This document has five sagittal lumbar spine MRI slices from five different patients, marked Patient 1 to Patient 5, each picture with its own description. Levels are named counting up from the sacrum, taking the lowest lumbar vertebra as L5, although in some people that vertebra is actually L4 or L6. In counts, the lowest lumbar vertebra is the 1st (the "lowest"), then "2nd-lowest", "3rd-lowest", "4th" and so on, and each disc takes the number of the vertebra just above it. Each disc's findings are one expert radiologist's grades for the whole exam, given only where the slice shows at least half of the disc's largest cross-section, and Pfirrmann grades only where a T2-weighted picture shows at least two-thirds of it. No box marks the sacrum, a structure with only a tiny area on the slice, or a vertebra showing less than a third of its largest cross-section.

Patient 1 of 5:
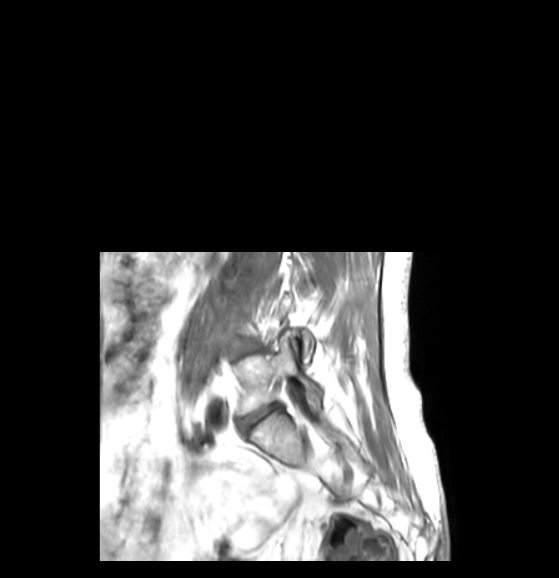

Patient sex: F; Image 559x578; MRI lumbar spine (T1-weighted), sagittal plane
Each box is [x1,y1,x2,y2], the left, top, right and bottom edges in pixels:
Lowest vertebra at [238,337,321,414].
Lowest disc at [240,404,277,432].
2nd-lowest disc at [241,342,256,353].

Radiological gradings:
- lowest disc: disc narrowing, disc bulging

Patient 2 of 5:
MRI lumbar spine (T1-weighted), sagittal plane | SIEMENS Avanto_fit (1.5T) 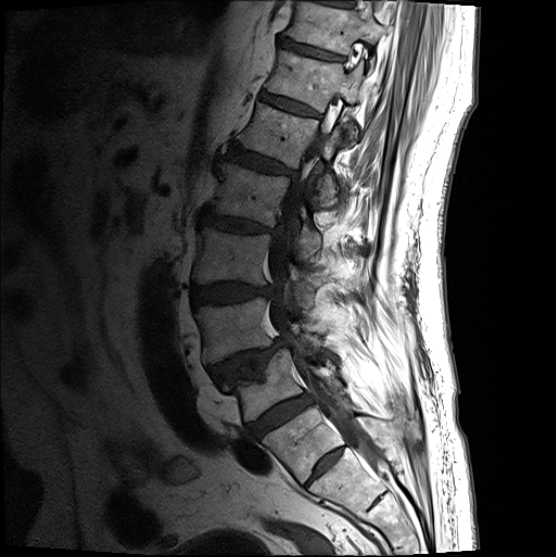

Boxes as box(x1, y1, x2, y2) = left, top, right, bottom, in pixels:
Spinal canal: box(269, 141, 383, 473).
Lowest vertebra: box(225, 350, 342, 422).
7th disc: box(281, 41, 343, 62).
3rd-lowest vertebra: box(192, 229, 321, 307).
7th vertebra: box(288, 4, 388, 66).
4th vertebra: box(211, 164, 321, 261).
4th disc: box(200, 213, 283, 238).
Lowest disc: box(247, 396, 312, 439).
2nd-lowest disc: box(211, 339, 288, 385).
5th vertebra: box(241, 104, 350, 208).
5th disc: box(227, 148, 296, 179).
6th disc: box(261, 94, 318, 118).
2nd-lowest vertebra: box(195, 299, 321, 365).
3rd-lowest disc: box(191, 285, 273, 306).
6th vertebra: box(267, 52, 367, 144).

Radiological gradings:
• 4th disc: disc bulging, lower-endplate change, disc narrowing, upper-endplate change
• 3rd-lowest disc: disc bulging
• 2nd-lowest disc: spondylolisthesis, upper-endplate change, disc herniation
• 7th disc: lower-endplate change
• 5th disc: lower-endplate change, upper-endplate change, disc bulging
• 6th disc, lowest disc: no spondylolisthesis, narrowing, bulging, herniation, Modic or endplate change recorded

Patient 3 of 5:
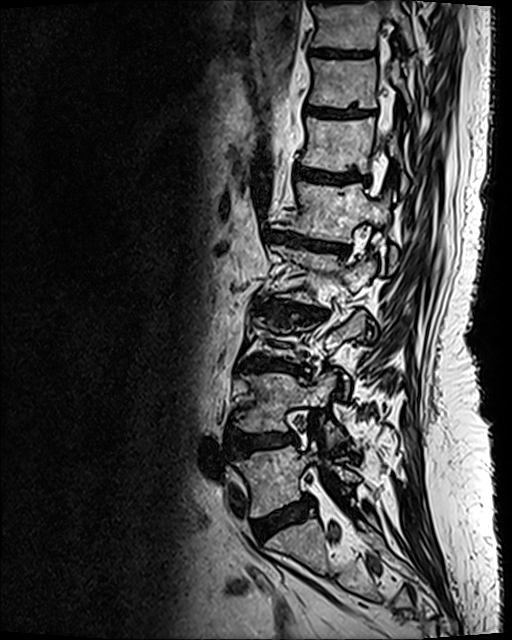 MRI lumbar spine (T2 SPACE (3D)), sagittal plane. Image 512x640. Slice 42/120.
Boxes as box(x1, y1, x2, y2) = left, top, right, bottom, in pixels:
{"L4": "box(233, 372, 344, 445)", "thecal sac / spinal canal": "box(381, 21, 394, 137)", "IVD T11/T12": "box(306, 106, 373, 118)", "L3/L4": "box(239, 357, 300, 371)", "L4/L5": "box(227, 431, 296, 456)", "T11": "box(309, 58, 411, 110)", "L5/S1": "box(254, 499, 311, 539)", "L1/L2": "box(265, 230, 348, 254)", "T12": "box(301, 117, 408, 195)", "L2/L3": "box(254, 298, 326, 319)", "T12/L1": "box(295, 167, 368, 183)", "L1 vertebra": "box(287, 182, 397, 266)", "T10": "box(312, 0, 413, 49)", "L5": "box(235, 442, 359, 517)", "T10/T11": "box(311, 48, 360, 56)"}

Expert MSK radiologist gradings (per disc):
  T10/T11: Pfirrmann grade 4, upper-endplate change, lower-endplate change
  L1/L2: Pfirrmann grade 5, disc narrowing, Modic type II, lower-endplate change, disc bulging, upper-endplate change
  L2/L3: Pfirrmann grade 5, Modic type II, lower-endplate change, disc bulging, upper-endplate change, disc narrowing
  L3/L4: Modic type II, upper-endplate change, lower-endplate change, disc bulging, disc narrowing
  T11/T12: Pfirrmann grade 4, lower-endplate change, upper-endplate change
  L4/L5: Pfirrmann grade 4, disc bulging, upper-endplate change, lower-endplate change
  L5/S1: disc bulging
  T12/L1: Pfirrmann grade 4, lower-endplate change, Modic type II, upper-endplate change

Patient 4 of 5:
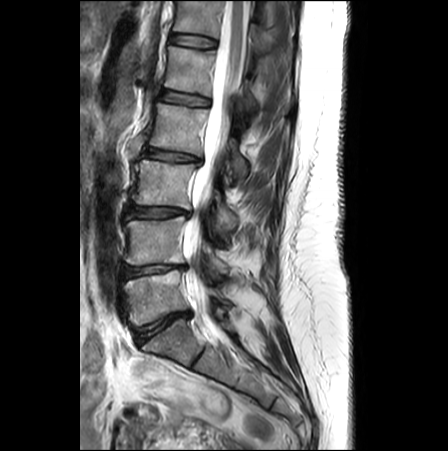

Field of view 280x282 mm; T2-weighted sagittal MRI of the lumbar spine

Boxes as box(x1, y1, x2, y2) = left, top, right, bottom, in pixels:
L3/L4 at box(128, 205, 187, 218); T12/L1 at box(170, 33, 216, 47); intervertebral disc L1/L2 at box(160, 90, 209, 106); L2 at box(149, 102, 248, 177); L2/L3 at box(143, 148, 199, 161); T12 at box(173, 0, 271, 52); L4/L5 at box(122, 265, 185, 279); thecal sac / spinal canal at box(183, 0, 249, 341); L4 at box(124, 216, 227, 275); intervertebral disc L5/S1 at box(135, 311, 190, 343); L1 at box(164, 46, 256, 108); L3 at box(134, 159, 237, 230); L5 at box(122, 269, 228, 325).

Expert MSK radiologist gradings (per disc):
• L5/S1: Pfirrmann grade 4, disc bulging, Modic type II, disc narrowing
• T12/L1: Pfirrmann grade 1
• L1/L2: Pfirrmann grade 1
• L3/L4: Pfirrmann grade 2, disc bulging, Modic type II
• L4/L5: Pfirrmann grade 3, Modic type II, disc bulging, upper-endplate change, disc narrowing
• L2/L3: Pfirrmann grade 2, disc narrowing, disc bulging

Patient 5 of 5:
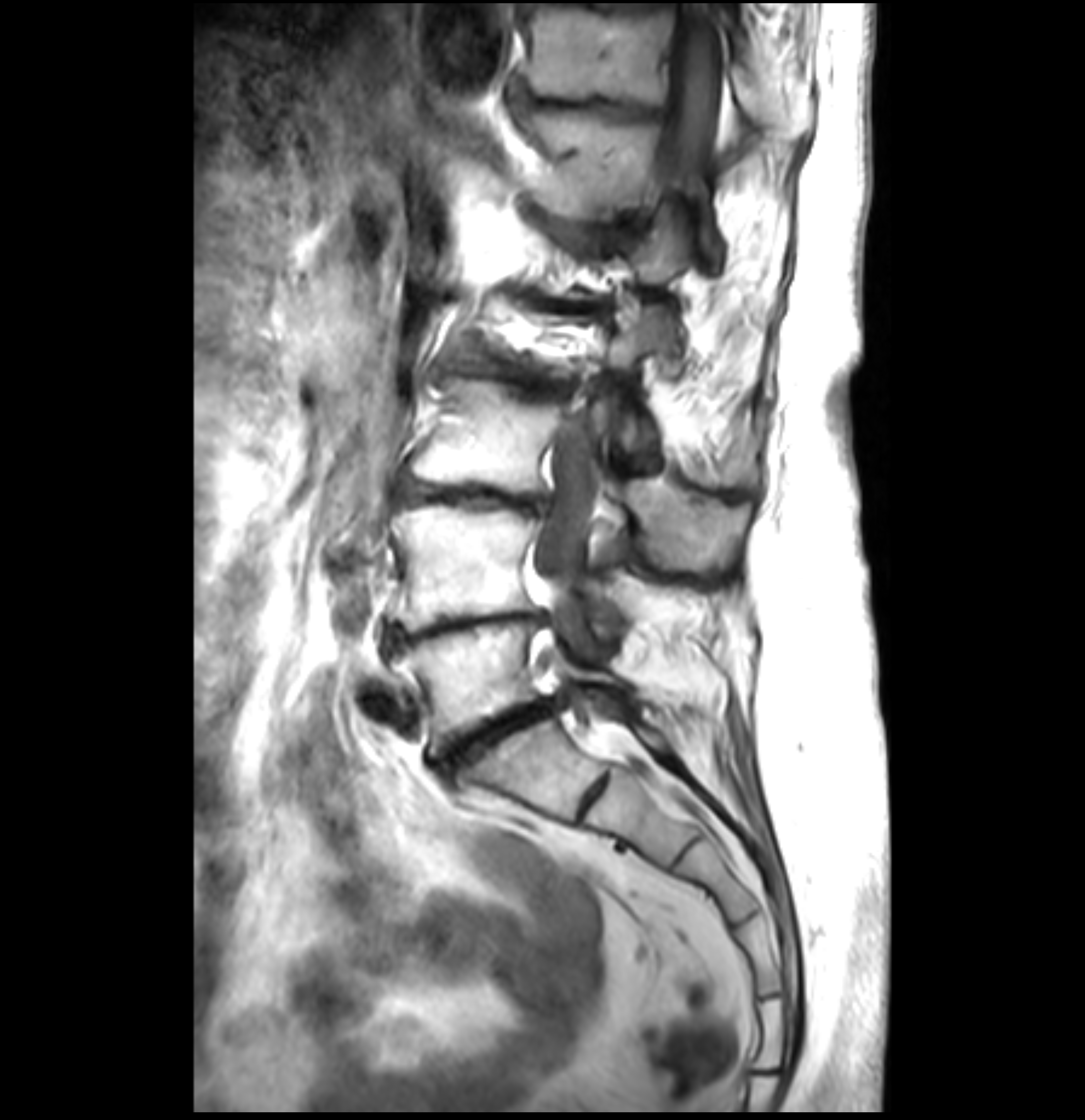 Image 1085x1120, Field of view 280x289 mm, slice spacing 3.4 mm, MRI lumbar spine (T1-weighted), sagittal plane

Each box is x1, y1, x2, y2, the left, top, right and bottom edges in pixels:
{"L5": "392, 620, 617, 755", "intervertebral disc L2/L3": "463, 357, 571, 397", "L3/L4": "400, 483, 554, 514", "L4 vertebra": "387, 504, 620, 632", "spinal canal": "535, 32, 721, 620", "L4/L5": "387, 610, 552, 648", "T11": "530, 11, 772, 127", "intervertebral disc L5/S1": "441, 693, 567, 770", "L3": "412, 378, 748, 567", "intervertebral disc T11/T12": "508, 79, 670, 120", "T12 vertebra": "526, 111, 721, 266", "intervertebral disc L1/L2": "533, 297, 598, 314"}

Expert MSK radiologist gradings (per disc):
  L3/L4: disc narrowing, upper-endplate change, Modic type II, disc bulging, lower-endplate change
  T11/T12: lower-endplate change, disc bulging, upper-endplate change, Modic type II, disc narrowing
  L5/S1: disc herniation, upper-endplate change, disc bulging, disc narrowing, lower-endplate change, Modic type II